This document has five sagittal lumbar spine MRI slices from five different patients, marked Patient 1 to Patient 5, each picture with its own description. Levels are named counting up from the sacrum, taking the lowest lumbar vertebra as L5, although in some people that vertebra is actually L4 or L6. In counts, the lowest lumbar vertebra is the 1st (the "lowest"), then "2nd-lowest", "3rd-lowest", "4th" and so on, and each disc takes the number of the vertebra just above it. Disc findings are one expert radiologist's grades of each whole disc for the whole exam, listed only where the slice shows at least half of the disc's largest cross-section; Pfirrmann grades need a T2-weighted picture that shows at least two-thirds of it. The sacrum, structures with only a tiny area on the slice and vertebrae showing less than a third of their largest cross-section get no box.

Patient 1 of 5:
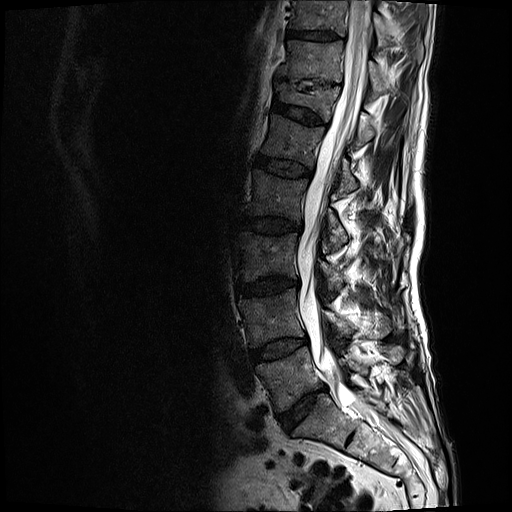 MRI lumbar spine (T2-weighted), sagittal plane. Sex M. Slice 11 of 17. Field of view 300x300 mm.
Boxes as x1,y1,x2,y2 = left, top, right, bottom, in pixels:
- L1 vertebra: 263,112,357,193
- L5/S1: 278,387,325,430
- T12: 275,82,374,143
- spinal canal: 297,0,385,423
- L4 vertebra: 239,287,386,346
- T11 vertebra: 280,40,389,93
- L3/L4: 238,277,298,294
- intervertebral disc L2/L3: 240,215,301,233
- intervertebral disc L4/L5: 250,338,306,362
- intervertebral disc T10/T11: 287,29,338,39
- L3 vertebra: 235,231,342,295
- T11/T12: 299,80,330,88
- T10 vertebra: 293,0,422,58
- L2: 248,169,349,253
- L5 vertebra: 256,346,401,410
- L1/L2: 257,154,311,176
- T12/L1: 272,100,325,123

Radiological gradings:
- T11/T12: Pfirrmann grade 5, upper-endplate change, lower-endplate change, disc narrowing
- L3/L4: Pfirrmann grade 4, disc bulging, Modic type II, disc narrowing
- L1/L2: Pfirrmann grade 3
- L5/S1: Pfirrmann grade 4, disc narrowing, disc bulging
- T10/T11: Pfirrmann grade 3
- L2/L3: Pfirrmann grade 3, Modic type II, disc bulging
- L4/L5: Pfirrmann grade 3, Modic type II, disc bulging
- T12/L1: Pfirrmann grade 3, lower-endplate change, upper-endplate change

Patient 2 of 5:
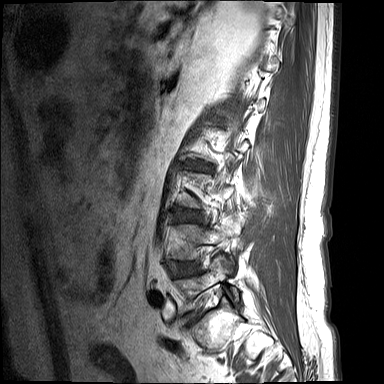

MRI lumbar spine (T1-weighted), sagittal plane | 384x384 px | Sex M

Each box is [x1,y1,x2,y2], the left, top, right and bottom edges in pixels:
L5 (lowest vertebra) at [175,255,238,312], IVD L2/L3 (4th disc) at [189,161,210,170], L3/L4 (3rd-lowest disc) at [184,210,196,220], L4 (2nd-lowest vertebra) at [174,220,238,262], IVD L4/L5 (2nd-lowest disc) at [178,262,199,275].

Patient 3 of 5:
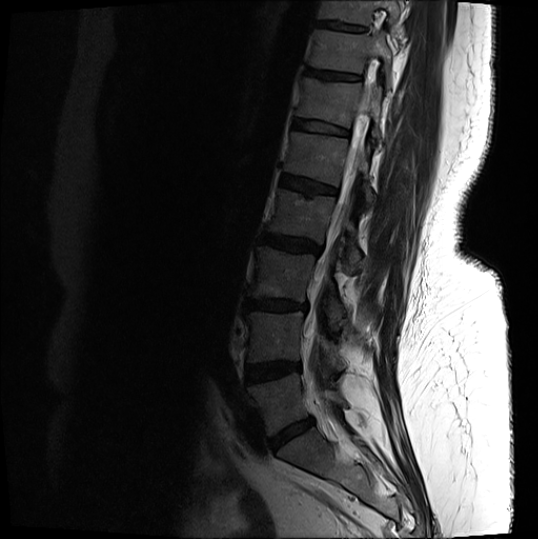 Sagittal T2-weighted lumbar spine MRI
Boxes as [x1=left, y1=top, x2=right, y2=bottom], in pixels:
L2 at [x1=267, y1=189, x2=361, y2=270].
L1 at [x1=283, y1=132, x2=376, y2=206].
Intervertebral disc T11/T12 at [x1=304, y1=68, x2=360, y2=81].
Intervertebral disc L1/L2 at [x1=281, y1=174, x2=337, y2=196].
L2/L3 at [x1=260, y1=233, x2=322, y2=254].
T12 vertebra at [x1=297, y1=77, x2=381, y2=140].
Intervertebral disc T12/L1 at [x1=292, y1=119, x2=348, y2=136].
L5 vertebra at [x1=247, y1=373, x2=346, y2=435].
L3 at [x1=248, y1=246, x2=346, y2=326].
L4 at [x1=245, y1=311, x2=345, y2=369].
Intervertebral disc L5/S1 at [x1=270, y1=418, x2=313, y2=449].
L3/L4 at [x1=245, y1=299, x2=307, y2=310].
Spinal canal at [x1=304, y1=84, x2=373, y2=409].
L4/L5 at [x1=246, y1=361, x2=301, y2=381].
T11 vertebra at [x1=307, y1=30, x2=391, y2=87].
T10 vertebra at [x1=318, y1=1, x2=400, y2=31].
Intervertebral disc T10/T11 at [x1=316, y1=21, x2=367, y2=32].

Expert MSK radiologist gradings (per disc):
- T10/T11: Pfirrmann grade 4, lower-endplate change, upper-endplate change
- L3/L4: Pfirrmann grade 4, lower-endplate change, upper-endplate change, disc narrowing, disc bulging, Modic type II
- L5/S1: Pfirrmann grade 4, disc narrowing, disc bulging
- L2/L3: Pfirrmann grade 4, upper-endplate change, lower-endplate change, disc bulging
- L1/L2: Pfirrmann grade 4, Modic type II, upper-endplate change, lower-endplate change
- T11/T12: Pfirrmann grade 4, upper-endplate change
- L4/L5: Pfirrmann grade 4, Modic type II, lower-endplate change, disc bulging
- T12/L1: Pfirrmann grade 3, upper-endplate change, lower-endplate change

Patient 4 of 5:
Sagittal T2 SPACE (3D) lumbar spine MRI. Patient sex: M.

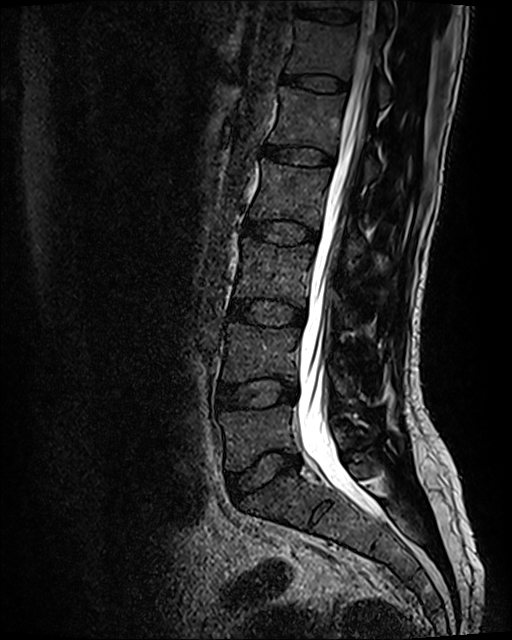

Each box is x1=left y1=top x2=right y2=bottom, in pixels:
Structures:
* T11/T12 at x1=296 y1=7 x2=358 y2=24
* L5 at x1=219 y1=404 x2=349 y2=471
* L4 vertebra at x1=222 y1=323 x2=348 y2=395
* intervertebral disc L2/L3 at x1=242 y1=219 x2=317 y2=245
* intervertebral disc T12/L1 at x1=283 y1=75 x2=347 y2=90
* L2 at x1=250 y1=159 x2=392 y2=264
* L4/L5 at x1=219 y1=377 x2=297 y2=410
* intervertebral disc L3/L4 at x1=229 y1=300 x2=305 y2=326
* L1 at x1=269 y1=87 x2=378 y2=182
* L3 at x1=235 y1=237 x2=356 y2=327
* T12 vertebra at x1=286 y1=20 x2=389 y2=106
* intervertebral disc L5/S1 at x1=227 y1=452 x2=299 y2=501
* intervertebral disc L1/L2 at x1=263 y1=145 x2=333 y2=166
* spinal canal at x1=299 y1=20 x2=376 y2=519
* T11 vertebra at x1=298 y1=0 x2=395 y2=26

Per-level radiological findings:
• T11/T12: Pfirrmann grade 2
• L3/L4: Pfirrmann grade 2, disc bulging
• L5/S1: Pfirrmann grade 2, disc bulging
• L4/L5: Pfirrmann grade 2, disc bulging
• T12/L1: Pfirrmann grade 2
• L2/L3: Pfirrmann grade 2
• L1/L2: Pfirrmann grade 2

Patient 5 of 5:
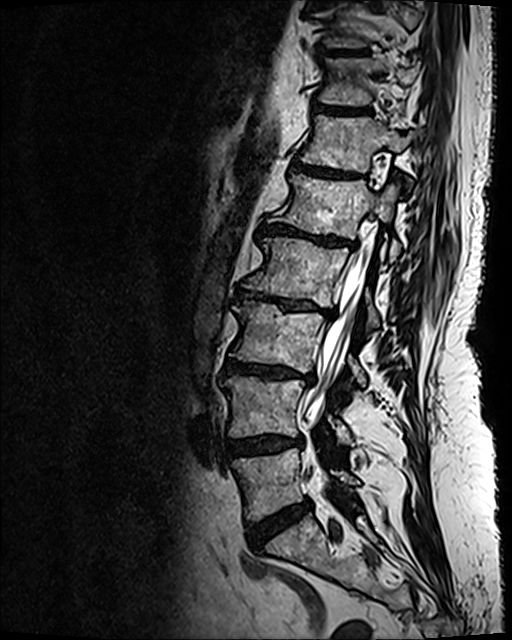 Sagittal slice index 69 | Lumbar spine MR, T2 SPACE (3D), sagittal | Slice spacing 0.9 mm | Sex F
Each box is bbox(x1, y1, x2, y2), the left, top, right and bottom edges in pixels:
Intervertebral disc L2/L3 (4th disc) at bbox(237, 288, 335, 314); L3 (3rd-lowest vertebra) at bbox(231, 301, 365, 383); L2 (4th vertebra) at bbox(244, 237, 379, 326); L4 (2nd-lowest vertebra) at bbox(222, 376, 352, 444); L5 (lowest vertebra) at bbox(232, 448, 359, 520); intervertebral disc L1/L2 (5th disc) at bbox(259, 225, 356, 247); intervertebral disc L5/S1 (lowest disc) at bbox(246, 501, 311, 548); L1 (5th vertebra) at bbox(269, 175, 400, 260); T11 (7th vertebra) at bbox(319, 58, 416, 106); T11/T12 (7th disc) at bbox(316, 106, 350, 113); spinal canal at bbox(306, 215, 376, 422); intervertebral disc L3/L4 (3rd-lowest disc) at bbox(224, 359, 314, 381); T10/T11 (8th disc) at bbox(318, 50, 365, 54); T12/L1 (6th disc) at bbox(292, 162, 352, 176); L4/L5 (2nd-lowest disc) at bbox(223, 436, 302, 458); T12 (6th vertebra) at bbox(302, 115, 411, 187).

Per-level radiological findings:
- L4/L5 (2nd-lowest disc): Pfirrmann grade 4, upper-endplate change, disc bulging, lower-endplate change
- T12/L1 (6th disc): upper-endplate change, Modic type II, lower-endplate change
- L2/L3 (4th disc): disc bulging, lower-endplate change, upper-endplate change, Modic type II, disc narrowing
- L5/S1 (lowest disc): Pfirrmann grade 4, disc bulging
- T10/T11 (8th disc): lower-endplate change, upper-endplate change
- L3/L4 (3rd-lowest disc): Pfirrmann grade 5, disc narrowing, upper-endplate change, Modic type II, disc bulging, lower-endplate change
- L1/L2 (5th disc): Pfirrmann grade 5, lower-endplate change, Modic type II, disc narrowing, upper-endplate change, disc bulging